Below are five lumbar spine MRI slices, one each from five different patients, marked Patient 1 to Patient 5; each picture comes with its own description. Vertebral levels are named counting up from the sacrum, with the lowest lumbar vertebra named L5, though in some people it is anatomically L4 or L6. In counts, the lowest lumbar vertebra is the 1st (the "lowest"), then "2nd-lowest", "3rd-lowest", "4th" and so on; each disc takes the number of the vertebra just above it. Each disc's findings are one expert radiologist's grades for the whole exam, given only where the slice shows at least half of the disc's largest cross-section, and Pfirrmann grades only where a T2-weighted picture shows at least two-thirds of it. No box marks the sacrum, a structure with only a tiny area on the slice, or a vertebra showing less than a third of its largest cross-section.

Patient 1 of 5:
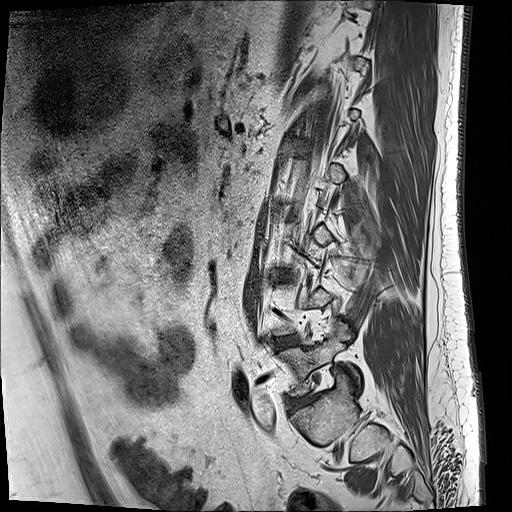 512x512 px; MRI lumbar spine (T1-weighted), sagittal plane; Slice spacing 3.3 mm; Sagittal slice index 0
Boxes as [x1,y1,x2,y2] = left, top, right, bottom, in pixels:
L5/S1 (lowest disc) — [292,394,314,406].
Intervertebral disc L4/L5 (2nd-lowest disc) — [277,336,300,346].
L5 (lowest vertebra) — [281,321,357,395].

Patient 2 of 5:
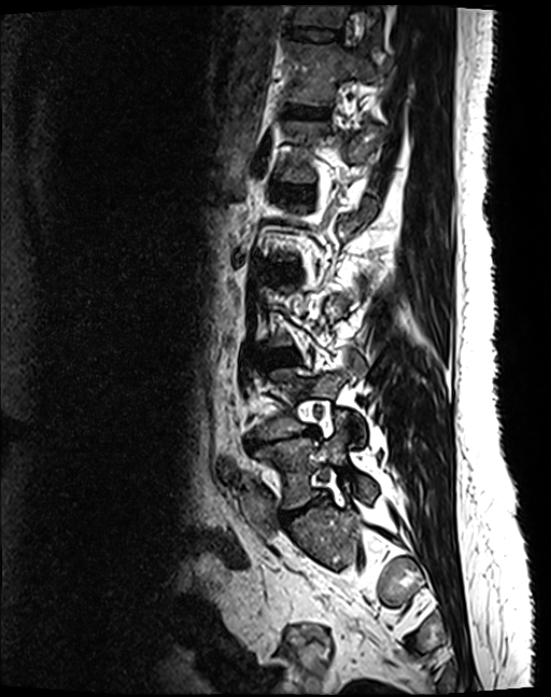 Patient sex: F. Sagittal slice index 89. T2 SPACE (3D) sagittal MRI of the lumbar spine.
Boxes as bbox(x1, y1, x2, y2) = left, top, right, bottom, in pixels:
T11/T12 — bbox(284, 26, 340, 39).
T12/L1 — bbox(279, 104, 328, 116).
L3/L4 — bbox(261, 350, 300, 364).
IVD L5/S1 — bbox(279, 495, 325, 524).
L1 — bbox(273, 119, 381, 182).
T11 vertebra — bbox(288, 5, 383, 52).
L4/L5 — bbox(244, 427, 319, 448).
L5 vertebra — bbox(253, 419, 376, 508).
T12 — bbox(283, 40, 373, 104).
L2/L3 — bbox(268, 266, 300, 276).
L4 vertebra — bbox(248, 354, 366, 445).
L1/L2 — bbox(269, 183, 314, 194).

Expert MSK radiologist gradings (per disc):
  T11/T12: Pfirrmann grade 2
  T12/L1: no spondylolisthesis, narrowing, bulging, herniation, Modic or endplate change recorded

Patient 3 of 5:
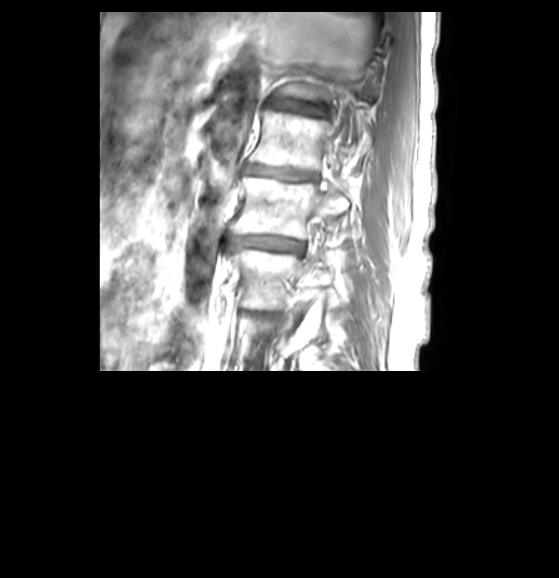 Field of view 280x289 mm, slice spacing 3.3 mm; 559x578 px; MRI lumbar spine (T1-weighted), sagittal plane

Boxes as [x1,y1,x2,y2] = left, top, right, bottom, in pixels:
{"L2/L3 (4th disc)": "[226,235,304,256]", "L3 (3rd-lowest vertebra)": "[230,247,329,308]", "T12/L1 (6th disc)": "[267,98,324,114]", "L1 (5th vertebra)": "[250,110,349,171]", "L1/L2 (5th disc)": "[245,164,314,180]", "L2 (4th vertebra)": "[230,177,349,238]"}

Per-level radiological findings:
  L1/L2 (5th disc): disc narrowing
  L2/L3 (4th disc): disc bulging, disc narrowing
  T12/L1 (6th disc): disc narrowing, lower-endplate change

Patient 4 of 5:
T2-weighted sagittal MRI of the lumbar spine; Image 512x519; Field of view 300x304 mm, slice spacing 3.2 mm

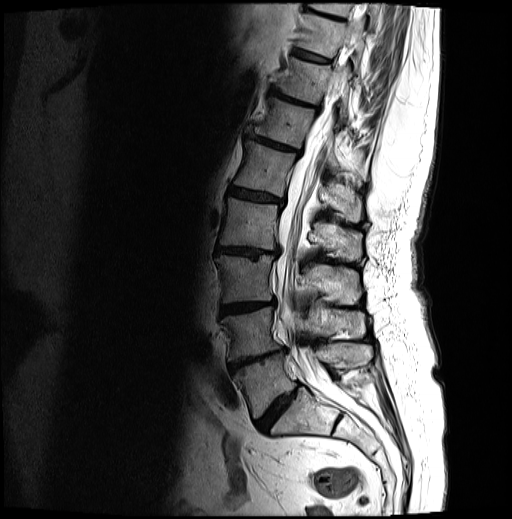 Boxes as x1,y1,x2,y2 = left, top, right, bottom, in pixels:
L5/S1: 256,383,300,431
T10/T11: 293,48,330,62
L5: 233,344,371,417
L3/L4: 220,300,274,314
T10 vertebra: 296,12,365,69
intervertebral disc L1/L2: 229,188,284,205
L3: 216,255,361,304
L4: 221,306,365,361
T11: 277,57,351,121
T12 vertebra: 252,98,367,180
T9: 309,3,380,28
L1 vertebra: 234,140,363,222
spinal canal: 277,22,360,403
L2 vertebra: 220,198,362,260
T12/L1: 247,130,300,155
intervertebral disc L4/L5: 229,348,286,371
intervertebral disc L2/L3: 216,246,278,256
intervertebral disc T11/T12: 270,87,319,108

Radiological gradings:
- T12/L1: Pfirrmann grade 4, upper-endplate change, Modic type II, disc narrowing, lower-endplate change, disc bulging
- L1/L2: Pfirrmann grade 4, lower-endplate change, Modic type II, disc narrowing, disc bulging, upper-endplate change
- L2/L3: Pfirrmann grade 4, disc bulging, Modic type II, upper-endplate change, lower-endplate change, disc narrowing
- L5/S1: Pfirrmann grade 4, disc bulging, disc narrowing
- L4/L5: disc narrowing, Modic type II, lower-endplate change, upper-endplate change, disc bulging
- L3/L4: Pfirrmann grade 4, upper-endplate change, disc bulging, Modic type II, lower-endplate change, disc narrowing
- T11/T12: Pfirrmann grade 5, upper-endplate change, disc bulging, disc narrowing, lower-endplate change, Modic type II
- T10/T11: Pfirrmann grade 4, upper-endplate change, Modic type II, lower-endplate change

Patient 5 of 5:
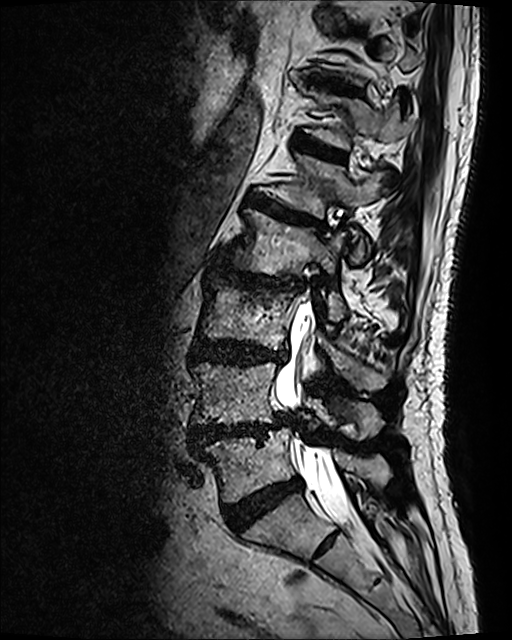 MRI lumbar spine (T2 SPACE (3D)), sagittal plane

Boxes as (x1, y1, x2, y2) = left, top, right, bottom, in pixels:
lowest vertebra = (206, 427, 391, 501) | 2nd-lowest vertebra = (191, 361, 383, 439) | 3rd-lowest vertebra = (198, 277, 386, 391) | 5th disc = (248, 195, 324, 229) | lowest disc = (224, 476, 302, 532) | 6th vertebra = (302, 87, 412, 150) | 4th disc = (216, 263, 301, 292) | 4th vertebra = (226, 209, 346, 321) | 5th vertebra = (272, 154, 387, 262) | 6th disc = (294, 137, 344, 161) | spinal canal = (275, 303, 367, 536) | 7th disc = (308, 75, 356, 94) | 3rd-lowest disc = (192, 338, 287, 365) | 2nd-lowest disc = (191, 412, 291, 449)

Per-level radiological findings:
  5th disc: Pfirrmann grade 4, disc bulging, upper-endplate change, lower-endplate change, Modic type II
  3rd-lowest disc: Pfirrmann grade 4, upper-endplate change, disc bulging, lower-endplate change
  7th disc: lower-endplate change, upper-endplate change, disc bulging
  2nd-lowest disc: Pfirrmann grade 4, lower-endplate change, Modic type II, upper-endplate change, disc narrowing, disc bulging, disc herniation, spondylolisthesis
  lowest disc: Pfirrmann grade 4
  4th disc: Pfirrmann grade 4, Modic type I, disc narrowing, upper-endplate change, disc bulging, lower-endplate change